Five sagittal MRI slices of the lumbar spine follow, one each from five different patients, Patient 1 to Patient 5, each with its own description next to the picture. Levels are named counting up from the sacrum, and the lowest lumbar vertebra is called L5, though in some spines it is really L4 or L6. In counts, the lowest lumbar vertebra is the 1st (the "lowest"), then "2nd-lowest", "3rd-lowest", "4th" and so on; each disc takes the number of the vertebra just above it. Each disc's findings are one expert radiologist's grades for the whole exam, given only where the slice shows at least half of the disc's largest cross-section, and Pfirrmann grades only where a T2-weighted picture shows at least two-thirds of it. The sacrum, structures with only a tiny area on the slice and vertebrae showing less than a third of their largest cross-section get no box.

Patient 1 of 5:
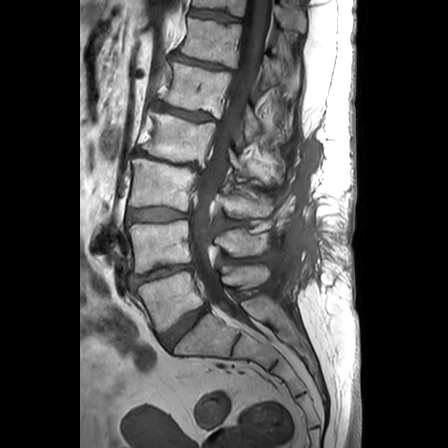 Sagittal T1-weighted lumbar spine MRI

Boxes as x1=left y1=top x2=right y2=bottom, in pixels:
Intervertebral disc L1/L2 at x1=156 y1=102 x2=212 y2=121, L1 at x1=163 y1=63 x2=261 y2=141, L5/S1 at x1=160 y1=306 x2=208 y2=348, L2/L3 at x1=133 y1=149 x2=200 y2=171, L3 at x1=128 y1=158 x2=273 y2=217, intervertebral disc L3/L4 at x1=128 y1=207 x2=189 y2=222, intervertebral disc L4/L5 at x1=130 y1=263 x2=192 y2=286, T11 at x1=193 y1=0 x2=306 y2=32, L5 vertebra at x1=135 y1=265 x2=269 y2=332, intervertebral disc T12/L1 at x1=171 y1=53 x2=227 y2=69, T12 at x1=179 y1=18 x2=299 y2=91, intervertebral disc T11/T12 at x1=190 y1=9 x2=238 y2=21, L2 vertebra at x1=143 y1=112 x2=248 y2=178, L4 at x1=128 y1=220 x2=269 y2=273, thecal sac / spinal canal at x1=191 y1=0 x2=269 y2=313.

Degenerative findings by level:
  T12/L1: disc narrowing
  L4/L5: disc bulging, disc narrowing
  L3/L4: disc bulging
  L5/S1: disc bulging
  L1/L2: Modic type II, disc narrowing
  T11/T12: no herniation, bulging, narrowing, spondylolisthesis, endplate or Modic change recorded

Patient 2 of 5:
Lumbar spine MR, T1-weighted, sagittal

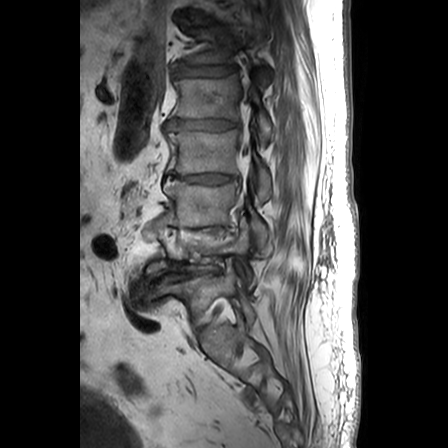
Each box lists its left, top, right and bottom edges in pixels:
3rd-lowest disc: left=169, top=224, right=230, bottom=229
5th disc: left=166, top=119, right=234, bottom=131
4th disc: left=169, top=174, right=234, bottom=183
3rd-lowest vertebra: left=164, top=180, right=269, bottom=253
2nd-lowest vertebra: left=145, top=219, right=256, bottom=289
4th vertebra: left=167, top=130, right=271, bottom=201
6th disc: left=175, top=65, right=235, bottom=76
6th vertebra: left=179, top=21, right=272, bottom=84
5th vertebra: left=172, top=74, right=274, bottom=144
lowest vertebra: left=159, top=268, right=255, bottom=324
2nd-lowest disc: left=145, top=269, right=216, bottom=285
spinal canal: left=241, top=138, right=250, bottom=155

Degenerative findings by level:
• 4th disc: disc bulging, disc narrowing
• 5th disc: disc narrowing, disc bulging
• 6th disc: disc bulging, disc narrowing, disc herniation

Patient 3 of 5:
MRI lumbar spine (T1-weighted), sagittal plane | Slice spacing 4.8 mm | Sagittal slice index 5
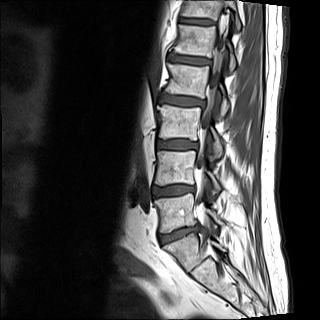

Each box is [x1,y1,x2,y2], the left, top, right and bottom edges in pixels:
• L2/L3 (4th disc) = [160,95,205,106]
• thecal sac / spinal canal = [199,35,225,167]
• T12 (6th vertebra) = [183,0,240,30]
• L5 (lowest vertebra) = [155,193,224,232]
• L2 (4th vertebra) = [164,63,229,120]
• intervertebral disc L1/L2 (5th disc) = [169,55,211,64]
• L4/L5 (2nd-lowest disc) = [152,186,194,196]
• L4 (2nd-lowest vertebra) = [155,151,220,192]
• intervertebral disc T12/L1 (6th disc) = [181,18,213,24]
• L3 (3rd-lowest vertebra) = [157,105,222,159]
• L3/L4 (3rd-lowest disc) = [157,140,197,149]
• L1 (5th vertebra) = [173,25,235,72]
• intervertebral disc L5/S1 (lowest disc) = [159,227,199,243]

Degenerative findings by level:
• L4/L5 (2nd-lowest disc): lower-endplate change, upper-endplate change, disc bulging
• L2/L3 (4th disc): disc bulging, Modic type II, upper-endplate change, lower-endplate change
• L1/L2 (5th disc): Modic type II, lower-endplate change, upper-endplate change
• L5/S1 (lowest disc): Modic type II, lower-endplate change, disc narrowing, upper-endplate change, disc herniation
• T12/L1 (6th disc), L3/L4 (3rd-lowest disc): no spondylolisthesis, narrowing, bulging, herniation, Modic or endplate change recorded

Patient 4 of 5:
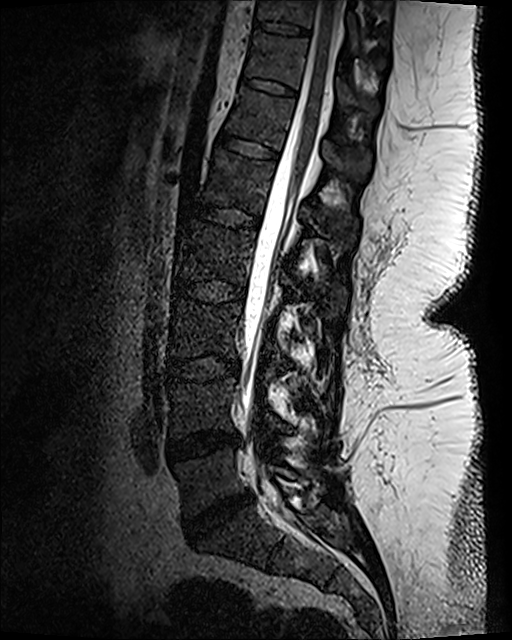 T2 SPACE (3D) sagittal MRI of the lumbar spine. Field of view 240x300 mm, slice spacing 0.9 mm.
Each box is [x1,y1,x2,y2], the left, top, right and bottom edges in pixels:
5th disc: [179,202,259,228] | thecal sac / spinal canal: [241,1,342,493] | lowest disc: [183,494,251,538] | 7th disc: [241,77,298,96] | 8th disc: [255,21,311,36] | 5th vertebra: [201,148,357,247] | 7th vertebra: [246,31,378,113] | 3rd-lowest disc: [169,356,239,382] | 2nd-lowest disc: [167,432,240,460] | 3rd-lowest vertebra: [171,300,284,378] | 2nd-lowest vertebra: [171,379,288,437] | lowest vertebra: [175,449,294,515] | 6th disc: [216,130,277,160] | 4th disc: [171,278,245,302] | 6th vertebra: [227,88,372,181] | 4th vertebra: [175,220,346,318] | 8th vertebra: [257,0,386,67]

Radiological gradings:
  5th disc: Pfirrmann grade 1
  7th disc: Pfirrmann grade 1
  4th disc: Pfirrmann grade 1
  6th disc: Pfirrmann grade 1
  8th disc: Pfirrmann grade 1
  2nd-lowest disc: Pfirrmann grade 3, disc narrowing, disc bulging
  lowest disc: Pfirrmann grade 4, disc bulging, disc narrowing
  3rd-lowest disc: Pfirrmann grade 1

Patient 5 of 5:
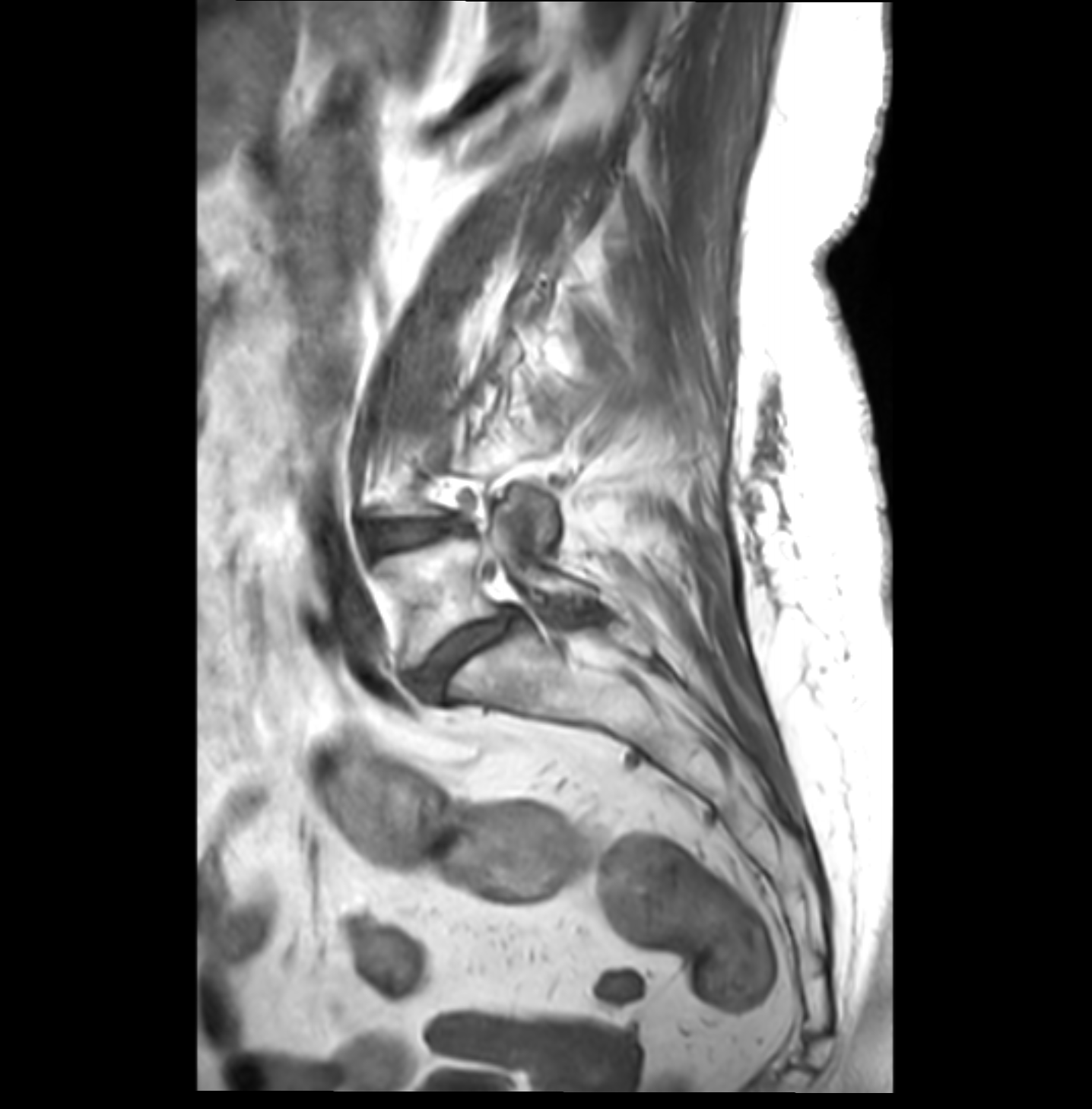
Image 1092x1109, Slice 14 of 36, T1-weighted sagittal MRI of the lumbar spine

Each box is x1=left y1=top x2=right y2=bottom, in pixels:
2nd-lowest disc = x1=372 y1=518 x2=463 y2=548 | lowest disc = x1=415 y1=608 x2=518 y2=694 | lowest vertebra = x1=378 y1=502 x2=593 y2=664

Per-level radiological findings:
- lowest disc: Modic type II, disc bulging, spondylolisthesis, disc narrowing
- 2nd-lowest disc: disc bulging, disc narrowing, Modic type II